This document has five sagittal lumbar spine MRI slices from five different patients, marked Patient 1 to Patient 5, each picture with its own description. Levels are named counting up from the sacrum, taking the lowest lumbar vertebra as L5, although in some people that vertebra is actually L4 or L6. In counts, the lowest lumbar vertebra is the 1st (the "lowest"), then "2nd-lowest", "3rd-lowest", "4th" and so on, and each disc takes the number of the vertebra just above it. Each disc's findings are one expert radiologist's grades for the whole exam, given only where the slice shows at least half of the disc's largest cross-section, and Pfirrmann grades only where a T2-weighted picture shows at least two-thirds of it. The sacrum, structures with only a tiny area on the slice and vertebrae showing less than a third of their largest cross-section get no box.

Patient 1 of 5:
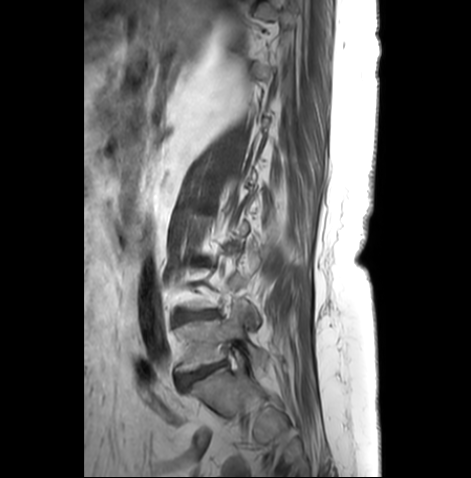

Sagittal slice index 6. 471x478 px. MRI lumbar spine (T1-weighted), sagittal plane.

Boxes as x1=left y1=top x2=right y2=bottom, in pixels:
disc L5/S1 (lowest disc): x1=179 y1=362 x2=226 y2=387
L5 (lowest vertebra): x1=177 y1=302 x2=267 y2=371
disc L4/L5 (2nd-lowest disc): x1=179 y1=310 x2=219 y2=320

Radiological gradings:
  L5/S1 (lowest disc): disc narrowing, disc bulging, Modic type II

Patient 2 of 5:
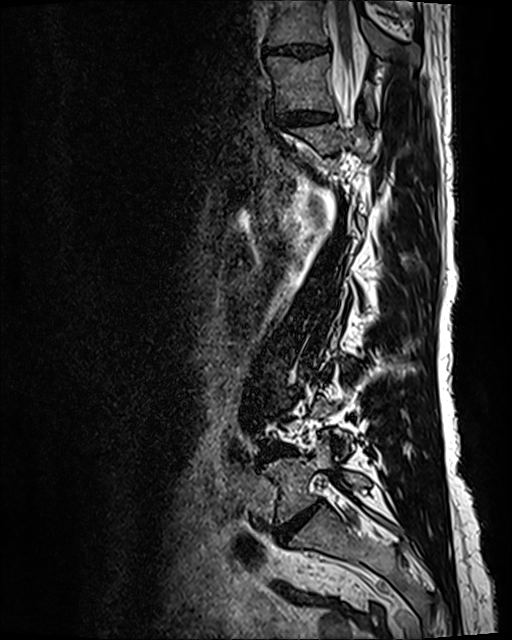
Lumbar spine MR, T2 SPACE (3D), sagittal, Sex F, Sagittal slice index 89, 512x640 px

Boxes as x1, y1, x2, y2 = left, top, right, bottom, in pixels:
Segmented structures:
* spinal canal: 328, 1, 363, 118
* disc L4/L5: 263, 447, 294, 457
* L5/S1: 275, 501, 321, 542
* T11: 267, 54, 375, 117
* L5 vertebra: 261, 433, 370, 525
* disc T11/T12: 274, 110, 335, 128
* T10 vertebra: 268, 0, 419, 64
* T10/T11: 269, 43, 325, 54

Radiological gradings:
  L5/S1: Pfirrmann grade 5, disc narrowing, upper-endplate change, Modic type II, lower-endplate change, disc bulging
  T11/T12: Pfirrmann grade 3, disc narrowing, disc bulging
  T10/T11: Pfirrmann grade 3, disc narrowing, disc bulging

Patient 3 of 5:
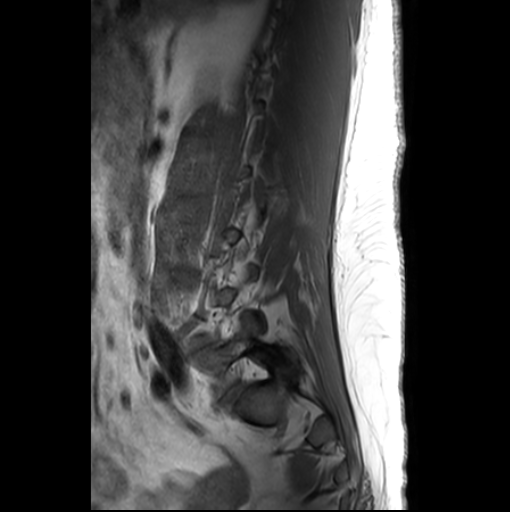 510x512 px; Lumbar spine MR, T1-weighted, sagittal
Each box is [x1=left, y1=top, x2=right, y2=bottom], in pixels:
L5 vertebra: [x1=197, y1=313, x2=277, y2=398] | disc L5/S1: [x1=222, y1=385, x2=246, y2=401]

Patient 4 of 5:
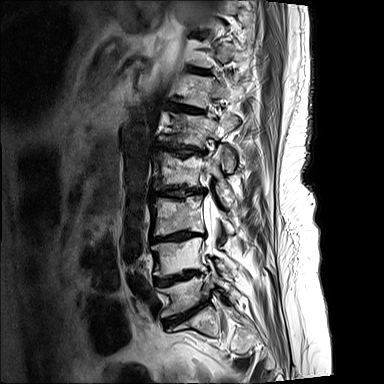
MRI lumbar spine (T2-weighted), sagittal plane | Field of view 280x280 mm
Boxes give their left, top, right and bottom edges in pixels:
{"lowest vertebra": "left=159, top=275, right=240, bottom=317", "3rd-lowest vertebra": "left=150, top=196, right=235, bottom=235", "5th vertebra": "left=159, top=113, right=238, bottom=170", "4th vertebra": "left=152, top=146, right=233, bottom=205", "2nd-lowest vertebra": "left=151, top=237, right=238, bottom=277", "4th disc": "left=154, top=187, right=205, bottom=199", "lowest disc": "left=163, top=298, right=209, bottom=324", "6th vertebra": "left=179, top=74, right=243, bottom=107", "thecal sac / spinal canal": "left=203, top=176, right=219, bottom=255", "3rd-lowest disc": "left=150, top=231, right=205, bottom=242", "2nd-lowest disc": "left=154, top=269, right=201, bottom=285", "5th disc": "left=157, top=143, right=205, bottom=156", "6th disc": "left=171, top=104, right=202, bottom=113"}

Per-level radiological findings:
  6th disc: Pfirrmann grade 4
  3rd-lowest disc: Pfirrmann grade 5, disc bulging, lower-endplate change, upper-endplate change, Modic type II, disc narrowing
  5th disc: Pfirrmann grade 5, Modic type I, disc bulging, disc narrowing, lower-endplate change, upper-endplate change
  2nd-lowest disc: Pfirrmann grade 5, lower-endplate change, disc narrowing, disc bulging, Modic type II, upper-endplate change
  lowest disc: Pfirrmann grade 5, lower-endplate change, upper-endplate change, Modic type II, disc bulging, disc narrowing
  4th disc: Pfirrmann grade 5, Modic type I, lower-endplate change, upper-endplate change, disc bulging, disc narrowing

Patient 5 of 5:
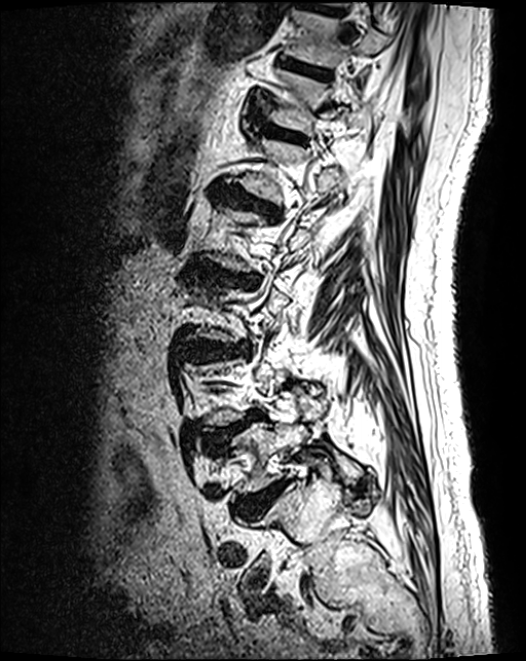 T2 SPACE (3D) sagittal MRI of the lumbar spine | Slice spacing 0.9 mm | 526x661 px
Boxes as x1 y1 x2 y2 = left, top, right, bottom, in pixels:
Lowest disc — 240 483 284 515.
7th vertebra — 284 11 391 68.
6th vertebra — 268 71 369 134.
4th disc — 229 276 255 283.
3rd-lowest disc — 185 344 247 362.
Lowest vertebra — 226 413 360 493.
5th disc — 217 188 279 216.
2nd-lowest disc — 211 413 260 445.
6th disc — 258 123 304 142.
5th vertebra — 237 140 347 201.
7th disc — 282 59 329 77.

Per-level radiological findings:
- 7th disc: lower-endplate change
- 5th disc: disc bulging, lower-endplate change, upper-endplate change
- 6th disc: no Modic or endplate change, herniation, narrowing, bulging or spondylolisthesis recorded